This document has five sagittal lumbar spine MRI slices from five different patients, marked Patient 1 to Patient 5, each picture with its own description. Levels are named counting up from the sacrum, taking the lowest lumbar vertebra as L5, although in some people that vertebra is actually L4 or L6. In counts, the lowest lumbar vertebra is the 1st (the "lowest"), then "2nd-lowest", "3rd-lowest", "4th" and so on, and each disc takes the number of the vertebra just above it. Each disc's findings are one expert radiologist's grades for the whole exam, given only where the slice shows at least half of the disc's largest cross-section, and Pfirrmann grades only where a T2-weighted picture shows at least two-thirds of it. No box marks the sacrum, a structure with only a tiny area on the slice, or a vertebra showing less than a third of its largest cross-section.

Patient 1 of 5:
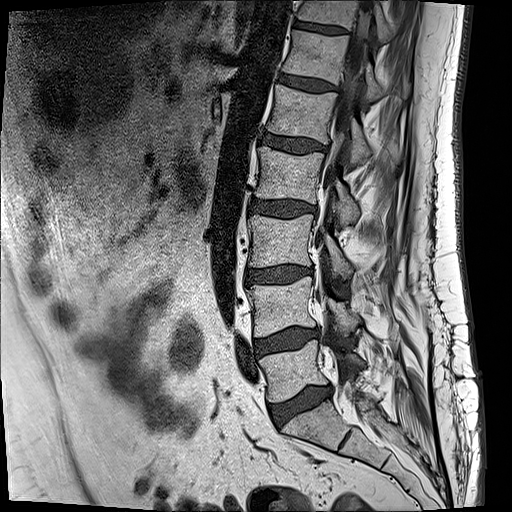

T1-weighted sagittal MRI of the lumbar spine, Slice 7/17

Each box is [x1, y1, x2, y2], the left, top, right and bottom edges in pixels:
L3/L4 (3rd-lowest disc) = [246, 264, 312, 282].
Spinal canal = [297, 0, 371, 375].
T11 (7th vertebra) = [298, 0, 389, 43].
T12/L1 (6th disc) = [278, 74, 336, 90].
L2/L3 (4th disc) = [253, 201, 313, 216].
L4 (2nd-lowest vertebra) = [246, 277, 360, 337].
Intervertebral disc L1/L2 (5th disc) = [259, 131, 324, 154].
L4/L5 (2nd-lowest disc) = [255, 328, 316, 355].
Intervertebral disc T11/T12 (7th disc) = [292, 20, 345, 34].
T12 (6th vertebra) = [282, 30, 409, 101].
L2 (4th vertebra) = [255, 147, 359, 224].
L5/S1 (lowest disc) = [270, 387, 330, 422].
L5 (lowest vertebra) = [259, 339, 364, 401].
L3 (3rd-lowest vertebra) = [248, 214, 353, 280].
L1 (5th vertebra) = [268, 84, 399, 164].

Per-level radiological findings:
  L1/L2 (5th disc): disc bulging
  L4/L5 (2nd-lowest disc): Modic type II, disc bulging
  L2/L3 (4th disc): disc bulging
  L5/S1 (lowest disc): disc narrowing, Modic type II, disc bulging
  L3/L4 (3rd-lowest disc): Modic type II, disc bulging
  T11/T12 (7th disc), T12/L1 (6th disc): no Modic or endplate change, herniation, narrowing, bulging or spondylolisthesis recorded

Patient 2 of 5:
MRI lumbar spine (T1-weighted), sagittal plane | Patient sex: M | Image 512x512
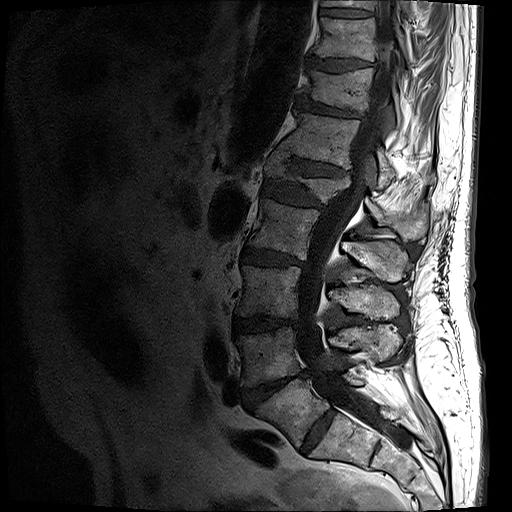 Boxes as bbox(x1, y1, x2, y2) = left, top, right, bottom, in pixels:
L1/L2 at bbox(262, 180, 324, 208); T10 vertebra at bbox(311, 17, 410, 65); L2/L3 at bbox(241, 248, 305, 267); IVD L5/S1 at bbox(301, 409, 336, 452); IVD L4/L5 at bbox(242, 370, 309, 410); T12 at bbox(282, 111, 429, 188); L5 at bbox(256, 375, 364, 447); IVD T11/T12 at bbox(296, 97, 360, 117); L2 vertebra at bbox(248, 198, 411, 281); L3 vertebra at bbox(235, 265, 399, 319); L4 vertebra at bbox(237, 326, 401, 386); IVD T12/L1 at bbox(277, 146, 347, 176); IVD T9/T10 at bbox(319, 8, 371, 17); spinal canal at bbox(296, 0, 412, 450); L1 at bbox(264, 153, 427, 239); T10/T11 at bbox(306, 56, 370, 71); T11 vertebra at bbox(302, 68, 401, 122); T9 at bbox(322, 0, 410, 17); L3/L4 at bbox(233, 316, 297, 333).

Degenerative findings by level:
- L4/L5: upper-endplate change, Modic type II, disc herniation, disc bulging, disc narrowing, lower-endplate change
- T10/T11: lower-endplate change, disc bulging, upper-endplate change
- T11/T12: disc bulging, disc narrowing, lower-endplate change, upper-endplate change
- L3/L4: upper-endplate change, disc narrowing, disc bulging, lower-endplate change
- L1/L2: disc narrowing, disc bulging, upper-endplate change, lower-endplate change
- L2/L3: disc bulging, Modic type II, upper-endplate change, disc narrowing, lower-endplate change
- T9/T10: lower-endplate change
- T12/L1: lower-endplate change, disc bulging, disc narrowing, upper-endplate change
- L5/S1: no herniation, bulging, narrowing, spondylolisthesis, endplate or Modic change recorded

Patient 3 of 5:
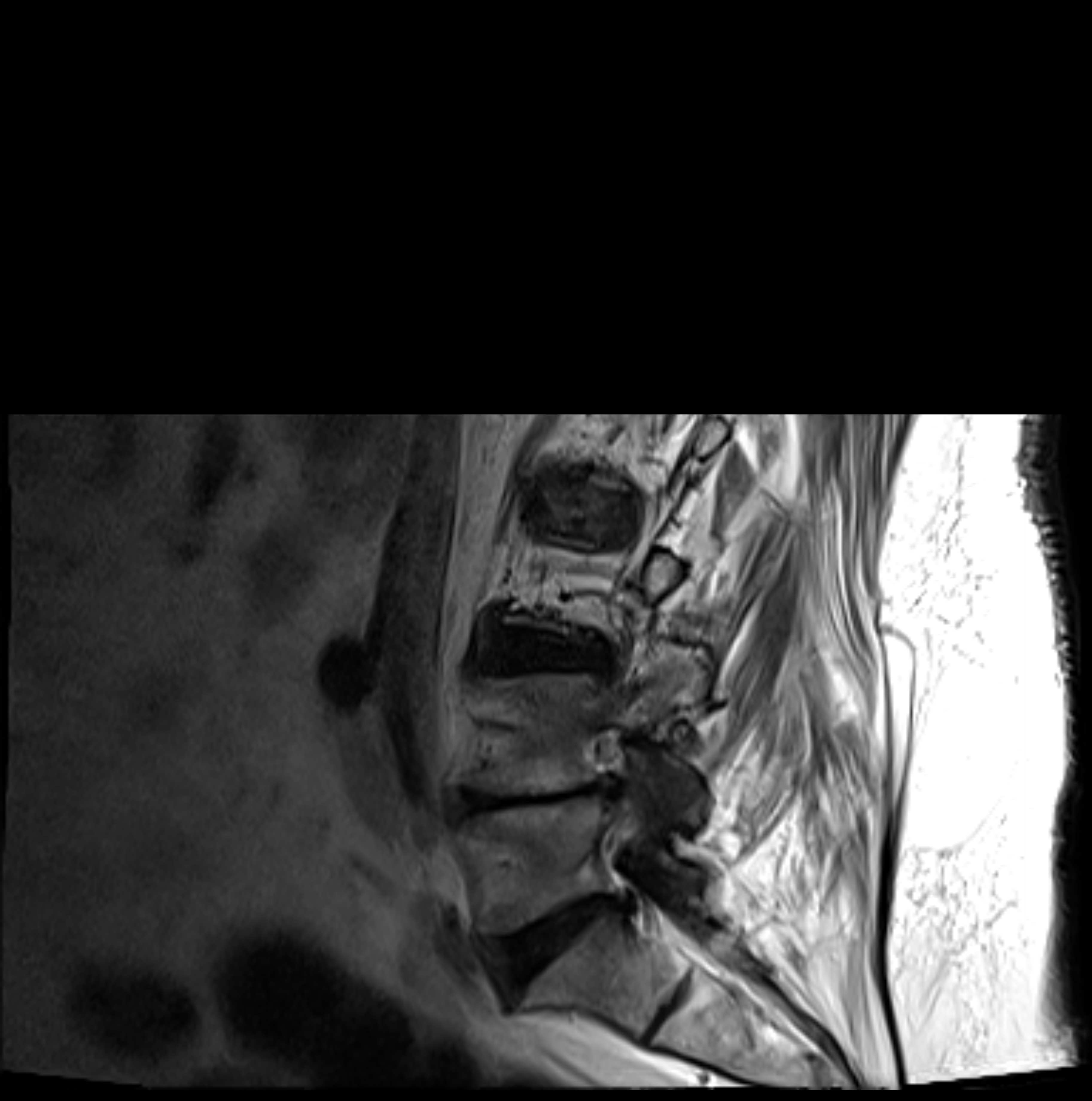 MRI lumbar spine (T2-weighted), sagittal plane | Image 1092x1101 | Slice spacing 9.6 mm

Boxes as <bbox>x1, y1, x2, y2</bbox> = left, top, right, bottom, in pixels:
L4/L5 at <bbox>461, 787, 614, 818</bbox> | L5 vertebra at <bbox>464, 804, 705, 936</bbox> | L4 vertebra at <bbox>464, 659, 702, 827</bbox> | L3/L4 at <bbox>495, 643, 588, 673</bbox> | L5/S1 at <bbox>498, 899, 617, 992</bbox>

Per-level radiological findings:
  L4/L5: disc narrowing, lower-endplate change, disc bulging, Modic type II, upper-endplate change
  L5/S1: Pfirrmann grade 4, upper-endplate change, disc bulging, lower-endplate change, Modic type II, disc narrowing

Patient 4 of 5:
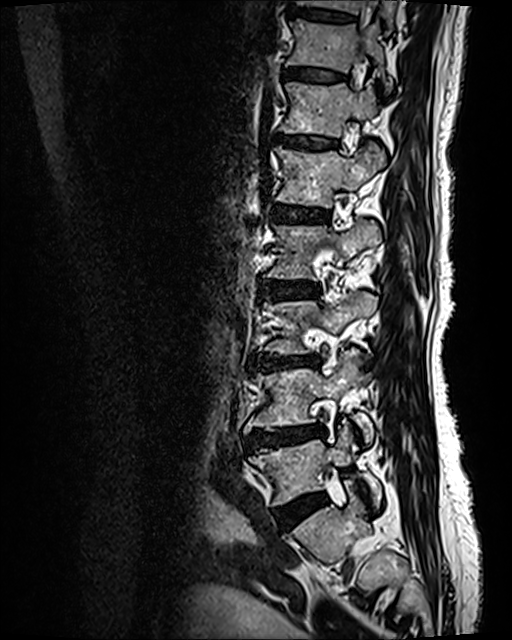 Sagittal T2 SPACE (3D) lumbar spine MRI.

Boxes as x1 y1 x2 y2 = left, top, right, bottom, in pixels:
8th disc: 289 7 353 21
6th vertebra: 279 81 377 137
lowest vertebra: 250 424 383 506
5th disc: 273 205 328 221
5th vertebra: 275 143 384 207
2nd-lowest disc: 246 426 325 446
8th vertebra: 296 0 394 31
4th vertebra: 265 221 380 279
7th vertebra: 287 19 392 91
3rd-lowest disc: 250 353 317 369
4th disc: 260 280 318 299
7th disc: 284 69 341 80
6th disc: 276 134 336 148
lowest disc: 279 494 325 524
3rd-lowest vertebra: 264 291 377 354
2nd-lowest vertebra: 243 350 373 442

Radiological gradings:
• 5th disc: Pfirrmann grade 3, lower-endplate change, upper-endplate change, Modic type II
• 6th disc: Pfirrmann grade 2, Modic type II, upper-endplate change, lower-endplate change
• 7th disc: Modic type II, lower-endplate change, upper-endplate change
• 4th disc: upper-endplate change, Modic type II, disc bulging, lower-endplate change
• 8th disc: Pfirrmann grade 2, upper-endplate change, lower-endplate change
• 3rd-lowest disc: upper-endplate change, disc bulging, disc narrowing, lower-endplate change, Modic type II
• 2nd-lowest disc: Pfirrmann grade 4, Modic type II, disc narrowing, lower-endplate change, disc bulging, upper-endplate change

Patient 5 of 5:
Slice 14 of 25 | MRI lumbar spine (T2-weighted), sagittal plane 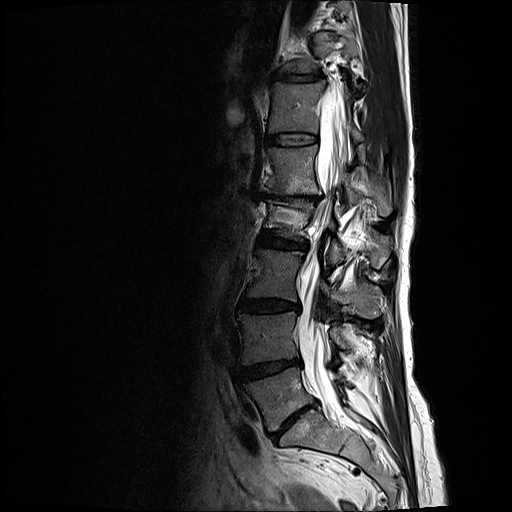
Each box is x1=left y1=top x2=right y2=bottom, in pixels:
{"spinal canal": "x1=298 y1=95 x2=346 y2=400", "L2 vertebra": "x1=268 y1=200 x2=389 y2=268", "T12": "x1=269 y1=82 x2=361 y2=141", "L4/L5": "x1=241 y1=360 x2=300 y2=380", "L2/L3": "x1=259 y1=231 x2=308 y2=249", "L3": "x1=247 y1=249 x2=382 y2=318", "IVD T11/T12": "x1=272 y1=71 x2=326 y2=82", "L1/L2": "x1=266 y1=192 x2=321 y2=202", "T12/L1": "x1=266 y1=132 x2=317 y2=146", "IVD L3/L4": "x1=238 y1=298 x2=298 y2=313", "L1 vertebra": "x1=260 y1=145 x2=392 y2=216", "L4": "x1=238 y1=311 x2=352 y2=365", "L5/S1": "x1=271 y1=403 x2=315 y2=438", "L5 vertebra": "x1=244 y1=367 x2=345 y2=431"}

Degenerative findings by level:
- L5/S1: disc narrowing, disc bulging, lower-endplate change, upper-endplate change, Modic type II
- L4/L5: Pfirrmann grade 4, disc bulging, Modic type II, disc narrowing
- L3/L4: Pfirrmann grade 3, disc bulging
- L2/L3: disc narrowing, disc bulging
- L1/L2: Pfirrmann grade 5, disc bulging, disc narrowing, upper-endplate change, lower-endplate change, Modic type II
- T11/T12: Pfirrmann grade 3, disc bulging, disc narrowing
- T12/L1: Pfirrmann grade 2